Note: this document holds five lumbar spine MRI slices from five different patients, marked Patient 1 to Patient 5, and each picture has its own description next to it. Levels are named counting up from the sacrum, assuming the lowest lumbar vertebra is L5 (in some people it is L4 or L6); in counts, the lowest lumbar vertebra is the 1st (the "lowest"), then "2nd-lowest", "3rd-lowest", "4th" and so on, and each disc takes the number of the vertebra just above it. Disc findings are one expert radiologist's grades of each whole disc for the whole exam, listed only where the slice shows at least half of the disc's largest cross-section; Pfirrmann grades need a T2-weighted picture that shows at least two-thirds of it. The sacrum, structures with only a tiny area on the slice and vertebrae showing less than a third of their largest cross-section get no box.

Patient 1 of 5:
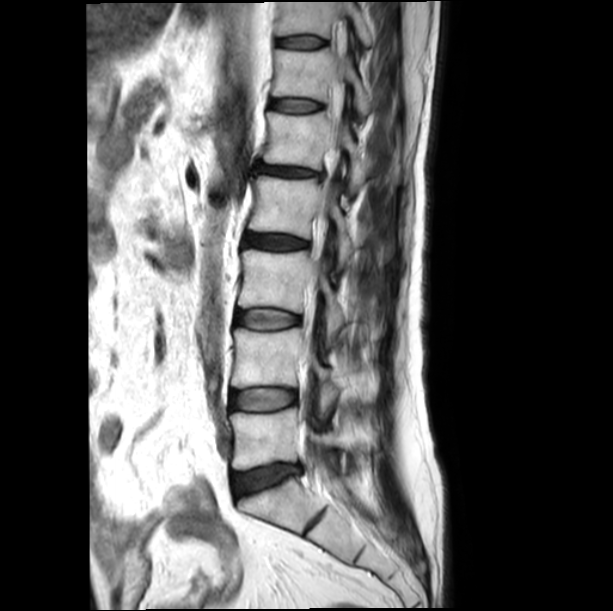

Sex M. Slice 12/18. Lumbar spine MR, T2-weighted, sagittal. 613x611 px.

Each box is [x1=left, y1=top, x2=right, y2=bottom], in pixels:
thecal sac / spinal canal — [x1=300, y1=14, x2=343, y2=490] | T11 vertebra — [x1=276, y1=2, x2=373, y2=47] | T11/T12 — [x1=277, y1=36, x2=326, y2=48] | disc L2/L3 — [x1=244, y1=234, x2=309, y2=249] | L4/L5 — [x1=232, y1=389, x2=295, y2=410] | L5 vertebra — [x1=231, y1=408, x2=377, y2=469] | L3 — [x1=238, y1=248, x2=346, y2=346] | disc L5/S1 — [x1=233, y1=464, x2=301, y2=495] | T12 — [x1=273, y1=47, x2=371, y2=117] | L3/L4 — [x1=237, y1=309, x2=299, y2=328] | L1 vertebra — [x1=263, y1=110, x2=367, y2=192] | T12/L1 — [x1=271, y1=99, x2=321, y2=112] | L2 — [x1=249, y1=176, x2=353, y2=267] | L1/L2 — [x1=256, y1=164, x2=322, y2=177] | L4 vertebra — [x1=232, y1=328, x2=340, y2=398]

Per-level radiological findings:
• T11/T12: Pfirrmann grade 1
• L4/L5: Pfirrmann grade 1
• L2/L3: Pfirrmann grade 3
• L3/L4: Pfirrmann grade 1
• L5/S1: Pfirrmann grade 3, disc bulging
• L1/L2: Pfirrmann grade 3, disc narrowing, disc bulging
• T12/L1: Pfirrmann grade 1

Patient 2 of 5:
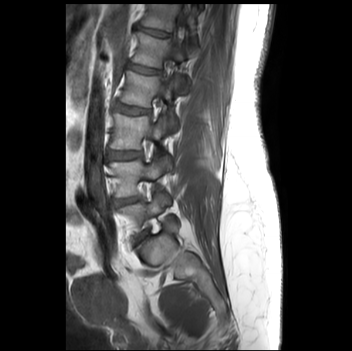
Sex F, Image 352x351, Sagittal T1-weighted lumbar spine MRI

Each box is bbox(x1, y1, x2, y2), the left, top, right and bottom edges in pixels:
Intervertebral disc L3/L4 (3rd-lowest disc): bbox(106, 149, 140, 160).
L2/L3 (4th disc): bbox(114, 102, 149, 114).
Intervertebral disc L4/L5 (2nd-lowest disc): bbox(114, 196, 138, 204).
L1 (5th vertebra): bbox(131, 32, 195, 91).
Thecal sac / spinal canal: bbox(170, 4, 189, 60).
L5 (lowest vertebra): bbox(120, 193, 168, 223).
T12 (6th vertebra): bbox(141, 4, 196, 43).
T12/L1 (6th disc): bbox(136, 25, 170, 36).
L3 (3rd-lowest vertebra): bbox(110, 113, 166, 148).
L4 (2nd-lowest vertebra): bbox(108, 158, 170, 196).
L2 (4th vertebra): bbox(120, 71, 176, 128).
Intervertebral disc L1/L2 (5th disc): bbox(127, 62, 160, 73).

Radiological gradings:
  L1/L2 (5th disc), T12/L1 (6th disc), L3/L4 (3rd-lowest disc), L2/L3 (4th disc): no spondylolisthesis, narrowing, bulging, herniation, Modic or endplate change recorded

Patient 3 of 5:
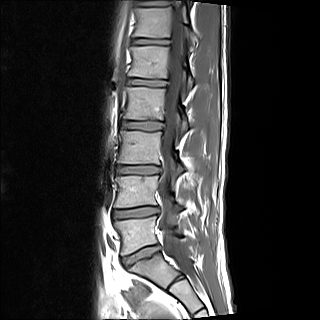 Patient sex: M | Field of view 280x280 mm, slice spacing 4.8 mm | Lumbar spine MR, T1-weighted, sagittal | Slice 6/15
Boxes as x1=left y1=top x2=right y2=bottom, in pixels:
L1 vertebra at x1=128 y1=46 x2=193 y2=89.
Intervertebral disc L1/L2 at x1=127 y1=79 x2=165 y2=86.
L2 at x1=123 y1=87 x2=187 y2=138.
T12 vertebra at x1=133 y1=7 x2=195 y2=50.
Intervertebral disc L5/S1 at x1=123 y1=245 x2=159 y2=266.
L3 at x1=118 y1=131 x2=184 y2=175.
T11/T12 at x1=140 y1=2 x2=164 y2=5.
Intervertebral disc L3/L4 at x1=117 y1=166 x2=159 y2=174.
T12/L1 at x1=133 y1=39 x2=168 y2=44.
Spinal canal at x1=159 y1=7 x2=192 y2=276.
Intervertebral disc L2/L3 at x1=121 y1=121 x2=163 y2=130.
L4 vertebra at x1=114 y1=175 x2=183 y2=211.
T11 at x1=149 y1=0 x2=171 y2=4.
L5 vertebra at x1=114 y1=216 x2=183 y2=255.
Intervertebral disc L4/L5 at x1=113 y1=207 x2=157 y2=218.

Radiological gradings:
  L4/L5: disc bulging, lower-endplate change, upper-endplate change
  L3/L4: disc narrowing, upper-endplate change, lower-endplate change
  T12/L1: lower-endplate change, upper-endplate change
  T11/T12: upper-endplate change
  L2/L3: lower-endplate change
  L5/S1: upper-endplate change
  L1/L2: no spondylolisthesis, narrowing, bulging, herniation, Modic or endplate change recorded

Patient 4 of 5:
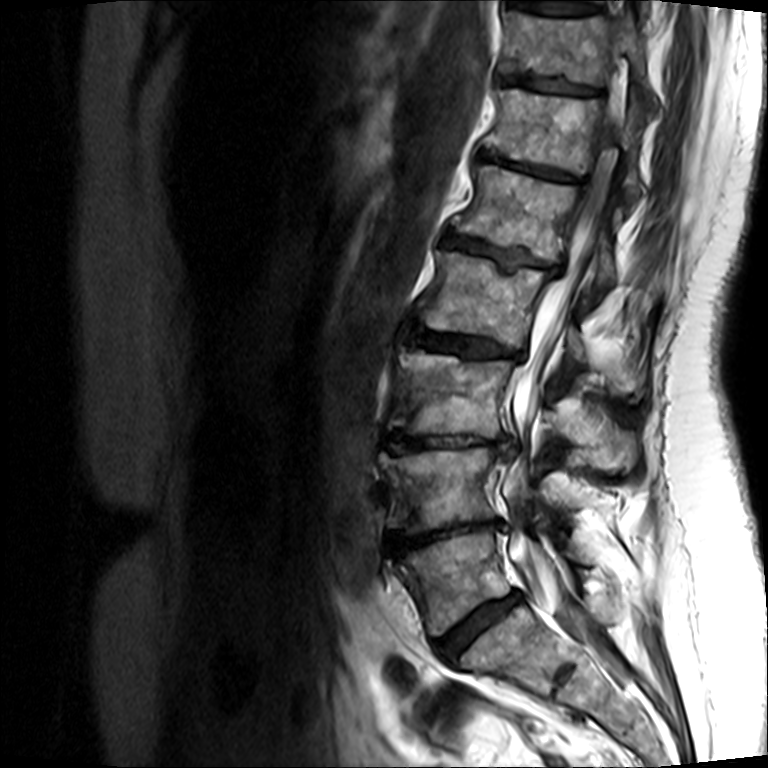 Image 768x768 | MRI lumbar spine (T2-weighted), sagittal plane
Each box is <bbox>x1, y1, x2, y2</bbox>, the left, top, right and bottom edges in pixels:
2nd-lowest vertebra: <bbox>381, 447, 569, 527</bbox>
4th disc: <bbox>405, 323, 520, 357</bbox>
3rd-lowest disc: <bbox>382, 429, 513, 457</bbox>
7th disc: <bbox>502, 73, 598, 93</bbox>
lowest disc: <bbox>436, 591, 519, 661</bbox>
4th vertebra: <bbox>415, 250, 644, 387</bbox>
thecal sac / spinal canal: <bbox>501, 115, 619, 663</bbox>
5th vertebra: <bbox>453, 164, 617, 285</bbox>
6th disc: <bbox>477, 148, 578, 179</bbox>
5th disc: <bbox>445, 230, 560, 273</bbox>
lowest vertebra: <bbox>399, 531, 586, 634</bbox>
6th vertebra: <bbox>484, 88, 644, 202</bbox>
7th vertebra: <bbox>501, 9, 646, 83</bbox>
2nd-lowest disc: <bbox>387, 518, 507, 554</bbox>
3rd-lowest vertebra: <bbox>388, 341, 638, 467</bbox>

Per-level radiological findings:
- 2nd-lowest disc: Pfirrmann grade 5, disc narrowing, lower-endplate change, disc herniation, Modic type II, upper-endplate change
- 3rd-lowest disc: Pfirrmann grade 5, upper-endplate change, lower-endplate change, disc narrowing, Modic type II, disc herniation
- lowest disc: Pfirrmann grade 3, Modic type II, upper-endplate change, disc bulging, disc narrowing, lower-endplate change
- 6th disc: Pfirrmann grade 5, Modic type II, upper-endplate change, disc bulging, disc narrowing, lower-endplate change
- 7th disc: Pfirrmann grade 3, lower-endplate change, disc narrowing, Modic type II, upper-endplate change
- 5th disc: Pfirrmann grade 4, Modic type II, upper-endplate change, disc narrowing, disc bulging, lower-endplate change
- 4th disc: Pfirrmann grade 3, disc narrowing, upper-endplate change, disc bulging, Modic type II, lower-endplate change

Patient 5 of 5:
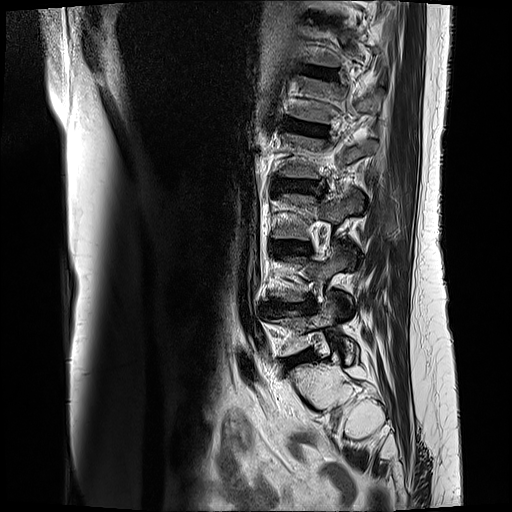

Slice 17 of 17 | Sagittal T2-weighted lumbar spine MRI | Patient sex: F

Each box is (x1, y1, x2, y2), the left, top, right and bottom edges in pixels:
{"lowest disc": "(285, 350, 314, 369)", "5th disc": "(283, 118, 327, 136)", "3rd-lowest disc": "(273, 241, 310, 253)", "2nd-lowest disc": "(261, 301, 309, 313)", "4th disc": "(277, 179, 324, 194)", "6th disc": "(306, 66, 335, 78)"}

Radiological gradings:
- 4th disc: Pfirrmann grade 3, disc bulging, Modic type II
- 3rd-lowest disc: Modic type II, disc bulging
- 6th disc: Modic type II
- 5th disc: Pfirrmann grade 3, Modic type II